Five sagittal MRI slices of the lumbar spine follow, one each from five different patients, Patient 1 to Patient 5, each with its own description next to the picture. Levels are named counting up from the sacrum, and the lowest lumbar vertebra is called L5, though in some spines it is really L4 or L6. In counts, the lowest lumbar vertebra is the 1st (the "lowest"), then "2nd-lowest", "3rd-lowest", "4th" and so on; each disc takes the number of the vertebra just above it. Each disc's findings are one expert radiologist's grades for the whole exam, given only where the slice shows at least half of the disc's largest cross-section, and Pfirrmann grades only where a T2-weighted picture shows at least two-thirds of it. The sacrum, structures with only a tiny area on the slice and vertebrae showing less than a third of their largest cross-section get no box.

Patient 1 of 5:
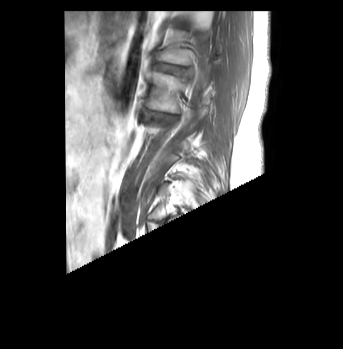
Sagittal slice index 9, T1-weighted sagittal MRI of the lumbar spine, Image 343x349
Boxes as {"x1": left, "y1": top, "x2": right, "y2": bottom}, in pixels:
L1 vertebra at {"x1": 156, "y1": 30, "x2": 190, "y2": 64}, L1/L2 at {"x1": 152, "y1": 62, "x2": 186, "y2": 75}, L2/L3 at {"x1": 142, "y1": 110, "x2": 177, "y2": 122}, L2 vertebra at {"x1": 146, "y1": 71, "x2": 184, "y2": 112}.

Expert MSK radiologist gradings (per disc):
• L1/L2: upper-endplate change
• L2/L3: Modic type II, disc narrowing, disc bulging, lower-endplate change

Patient 2 of 5:
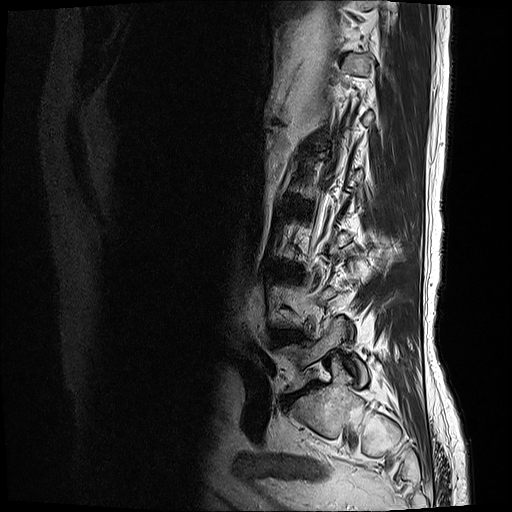

Lumbar spine MR, T2-weighted, sagittal
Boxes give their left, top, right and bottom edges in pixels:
2nd-lowest disc: left=276, top=333, right=298, bottom=341.
Lowest vertebra: left=279, top=318, right=368, bottom=389.
3rd-lowest disc: left=289, top=271, right=299, bottom=276.
Lowest disc: left=285, top=389, right=309, bottom=400.

Patient 3 of 5:
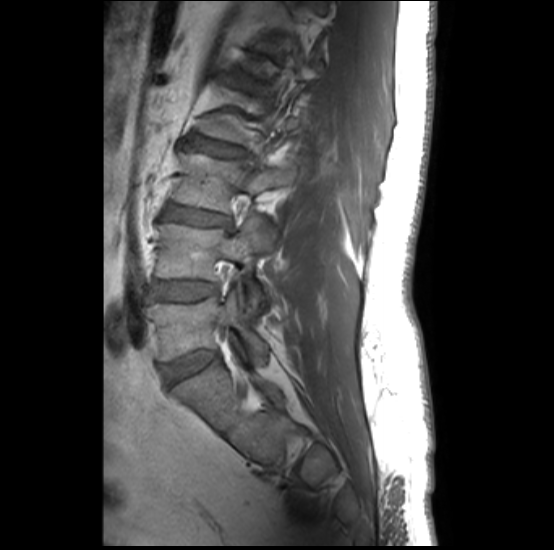 Sex M, Slice 11 of 32, Lumbar spine MR, T1-weighted, sagittal
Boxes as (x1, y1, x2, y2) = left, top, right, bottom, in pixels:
{"L5 (lowest vertebra)": "(152, 291, 266, 360)", "L2/L3 (4th disc)": "(183, 138, 244, 158)", "L4 (2nd-lowest vertebra)": "(156, 218, 263, 301)", "L5/S1 (lowest disc)": "(165, 351, 216, 381)", "L3/L4 (3rd-lowest disc)": "(165, 205, 231, 227)", "L3 (3rd-lowest vertebra)": "(175, 152, 294, 213)", "L4/L5 (2nd-lowest disc)": "(154, 281, 216, 300)"}

Per-level radiological findings:
- L4/L5 (2nd-lowest disc): upper-endplate change, Modic type II, lower-endplate change
- L2/L3 (4th disc): upper-endplate change, Modic type II, lower-endplate change
- L3/L4 (3rd-lowest disc): Modic type II, upper-endplate change, lower-endplate change
- L5/S1 (lowest disc): no Modic or endplate change, herniation, narrowing, bulging or spondylolisthesis recorded

Patient 4 of 5:
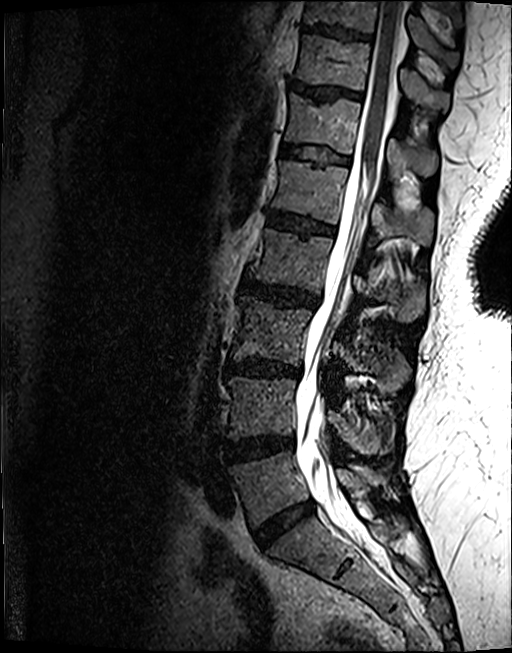 Lumbar spine MR, T2 SPACE (3D), sagittal | Sex F | Image 512x653 | Sagittal slice index 57

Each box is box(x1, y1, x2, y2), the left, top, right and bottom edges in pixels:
- disc T11/T12 at box(291, 80, 360, 98)
- disc L2/L3 at box(242, 278, 318, 307)
- L2 at box(250, 228, 425, 320)
- disc L1/L2 at box(267, 211, 333, 235)
- T12 vertebra at box(285, 93, 436, 174)
- spinal canal at box(295, 0, 405, 547)
- T11 vertebra at box(296, 33, 448, 108)
- L3 vertebra at box(230, 296, 407, 388)
- L5 at box(228, 451, 360, 527)
- T10 at box(305, 0, 459, 66)
- L3/L4 at box(227, 360, 300, 376)
- disc L4/L5 at box(225, 436, 293, 461)
- L5/S1 at box(255, 501, 313, 547)
- disc T12/L1 at box(282, 144, 348, 163)
- L4 at box(227, 376, 393, 454)
- disc T10/T11 at box(304, 24, 370, 38)
- L1 vertebra at box(272, 160, 432, 246)

Expert MSK radiologist gradings (per disc):
• T12/L1: Pfirrmann grade 3, lower-endplate change, upper-endplate change
• T11/T12: Pfirrmann grade 4, upper-endplate change
• L2/L3: Pfirrmann grade 4, lower-endplate change, disc bulging, upper-endplate change
• L4/L5: Pfirrmann grade 4, disc bulging, Modic type II, lower-endplate change
• L1/L2: Pfirrmann grade 4, upper-endplate change, lower-endplate change, Modic type II
• L3/L4: Pfirrmann grade 4, lower-endplate change, upper-endplate change, Modic type II, disc bulging, disc narrowing
• T10/T11: Pfirrmann grade 4, upper-endplate change, lower-endplate change
• L5/S1: Pfirrmann grade 4, disc bulging, disc narrowing

Patient 5 of 5:
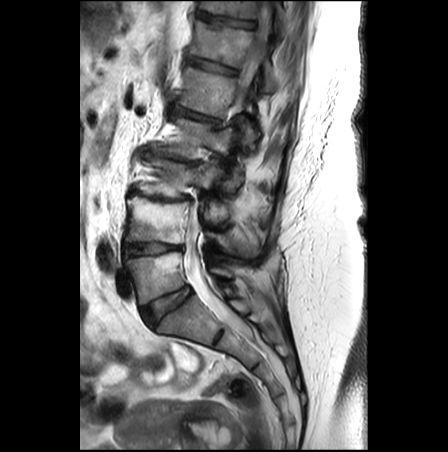 Lumbar spine MR, T2-weighted, sagittal; Patient sex: F
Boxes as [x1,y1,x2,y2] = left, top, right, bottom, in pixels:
L3 = [137,157,234,220] | L2/L3 = [152,152,199,166] | L1 = [180,64,258,142] | L5 = [125,252,232,305] | disc L5/S1 = [142,287,191,326] | spinal canal = [185,0,275,335] | disc L3/L4 = [128,188,192,201] | L4 vertebra = [124,197,254,255] | T11 vertebra = [199,1,287,32] | L4/L5 = [122,244,181,257] | disc T11/T12 = [196,11,256,28] | T12 vertebra = [189,19,274,91] | disc T12/L1 = [186,53,239,74] | L1/L2 = [178,105,219,124] | L2 vertebra = [161,118,242,187]

Radiological gradings:
• L1/L2: spondylolisthesis, disc bulging, upper-endplate change, lower-endplate change, disc narrowing, Modic type II
• T11/T12: Pfirrmann grade 3, lower-endplate change, upper-endplate change
• L3/L4: Pfirrmann grade 5, upper-endplate change, disc bulging, disc narrowing, Modic type II, lower-endplate change
• L4/L5: Pfirrmann grade 5, Modic type II, disc narrowing, lower-endplate change, upper-endplate change, disc bulging
• T12/L1: Pfirrmann grade 3, upper-endplate change, Modic type II, lower-endplate change
• L5/S1: Pfirrmann grade 2